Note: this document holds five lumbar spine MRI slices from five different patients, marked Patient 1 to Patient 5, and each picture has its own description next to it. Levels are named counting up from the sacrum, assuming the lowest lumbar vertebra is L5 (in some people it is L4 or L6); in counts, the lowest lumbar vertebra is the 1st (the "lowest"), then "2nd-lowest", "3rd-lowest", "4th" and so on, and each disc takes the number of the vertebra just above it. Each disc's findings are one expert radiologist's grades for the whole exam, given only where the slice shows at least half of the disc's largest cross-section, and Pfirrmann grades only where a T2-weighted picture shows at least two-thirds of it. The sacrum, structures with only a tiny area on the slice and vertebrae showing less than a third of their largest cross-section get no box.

Patient 1 of 5:
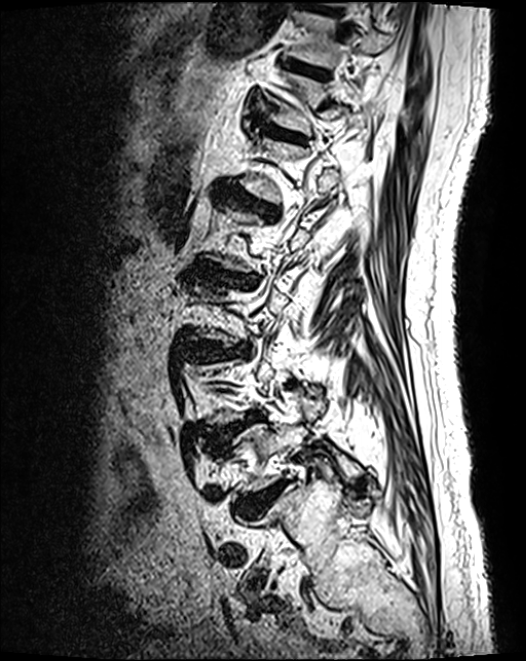 T2 SPACE (3D) sagittal MRI of the lumbar spine | Field of view 240x302 mm, slice spacing 0.9 mm | Image 526x661 | Sagittal slice index 89
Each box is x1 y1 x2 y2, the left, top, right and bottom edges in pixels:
7th disc — 284 60 328 77.
3rd-lowest disc — 187 345 246 361.
Lowest disc — 243 484 282 513.
6th disc — 260 124 303 142.
2nd-lowest disc — 213 414 259 445.
4th disc — 230 277 253 282.
Lowest vertebra — 227 416 360 492.
5th disc — 219 189 276 216.
7th vertebra — 286 12 393 68.

Radiological gradings:
• 5th disc: disc bulging, lower-endplate change, upper-endplate change

Patient 2 of 5:
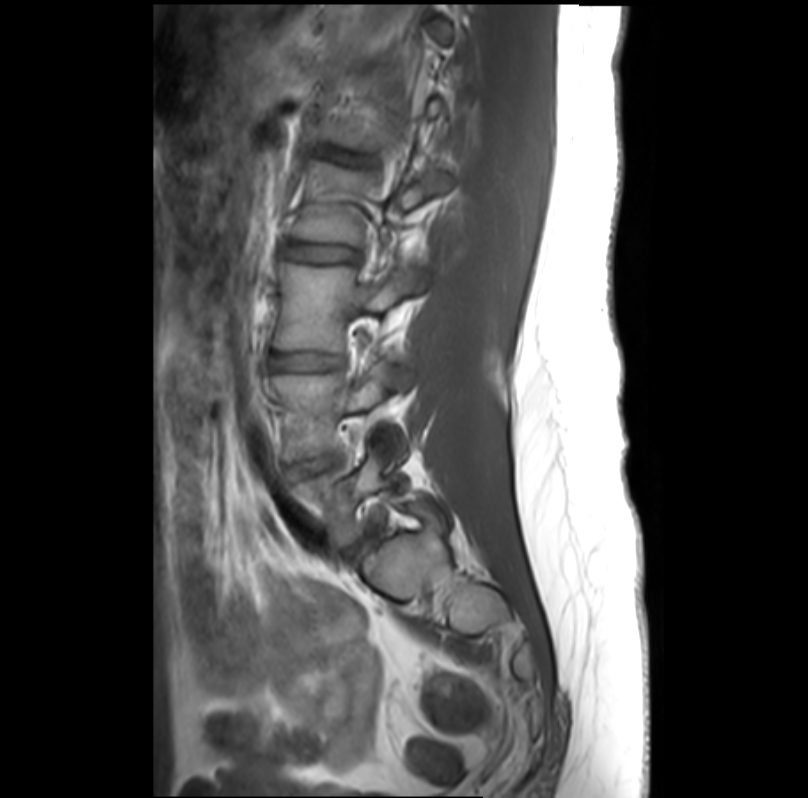 Sex F, T1-weighted sagittal MRI of the lumbar spine, Image 808x798
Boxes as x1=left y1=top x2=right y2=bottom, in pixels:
2nd-lowest vertebra: x1=275 y1=361 x2=405 y2=460 | 5th disc: x1=310 y1=144 x2=370 y2=164 | 4th disc: x1=287 y1=243 x2=355 y2=261 | 3rd-lowest disc: x1=273 y1=352 x2=338 y2=367 | 4th vertebra: x1=294 y1=165 x2=451 y2=244 | lowest vertebra: x1=295 y1=449 x2=393 y2=540 | 3rd-lowest vertebra: x1=277 y1=263 x2=427 y2=349 | 2nd-lowest disc: x1=287 y1=455 x2=337 y2=475

Radiological gradings:
- 3rd-lowest disc: disc bulging
- 4th disc, 5th disc: no herniation, bulging, narrowing, spondylolisthesis, endplate or Modic change recorded

Patient 3 of 5:
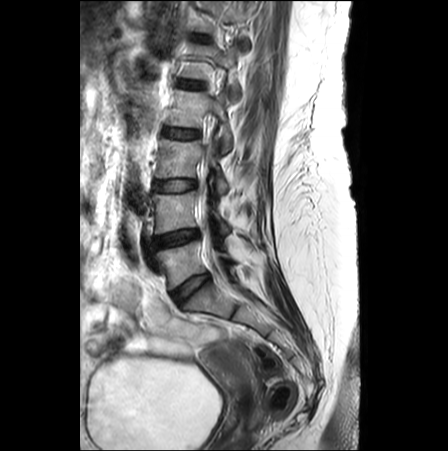

Slice spacing 3.3 mm, T2-weighted sagittal MRI of the lumbar spine
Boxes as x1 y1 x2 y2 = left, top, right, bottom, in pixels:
Annotations:
• L4 = 152 191 230 235
• intervertebral disc L5/S1 = 172 274 209 304
• intervertebral disc L3/L4 = 154 180 196 191
• L1 = 183 45 239 100
• T12 = 196 2 248 50
• L5 = 155 241 230 289
• L2 vertebra = 167 90 231 152
• L4/L5 = 153 229 199 248
• L3 = 156 139 228 194
• spinal canal = 202 213 207 224
• intervertebral disc L1/L2 = 179 81 202 89
• L2/L3 = 164 128 199 138

Expert MSK radiologist gradings (per disc):
• L2/L3: Pfirrmann grade 1
• L4/L5: Pfirrmann grade 4, disc narrowing
• L3/L4: Pfirrmann grade 1
• L5/S1: Pfirrmann grade 3

Patient 4 of 5:
MRI lumbar spine (T1-weighted), sagittal plane; Scanner: Philips Healthcare Ingenia (3T); Sagittal slice index 18

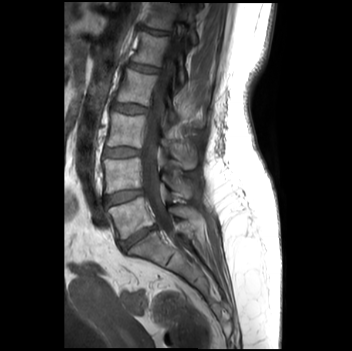
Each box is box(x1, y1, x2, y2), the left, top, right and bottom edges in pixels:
L4 vertebra at box(102, 158, 194, 198); thecal sac / spinal canal at box(141, 35, 182, 246); IVD L1/L2 at box(127, 62, 158, 72); L1 at box(132, 31, 208, 83); L2 vertebra at box(114, 68, 202, 126); IVD T12/L1 at box(141, 26, 169, 34); L3/L4 at box(104, 147, 139, 157); T12 vertebra at box(144, 2, 196, 44); L5 vertebra at box(107, 197, 196, 238); L5/S1 at box(118, 224, 155, 249); L4/L5 at box(104, 189, 142, 206); L3 at box(107, 111, 196, 168); IVD L2/L3 at box(111, 101, 147, 113).

Radiological gradings:
- L5/S1: disc narrowing, upper-endplate change, Modic type II, lower-endplate change
- L1/L2, T12/L1, L4/L5, L2/L3, L3/L4: no herniation, bulging, narrowing, spondylolisthesis, endplate or Modic change recorded

Patient 5 of 5:
Slice 63 of 122 | Sagittal T2 SPACE (3D) lumbar spine MRI

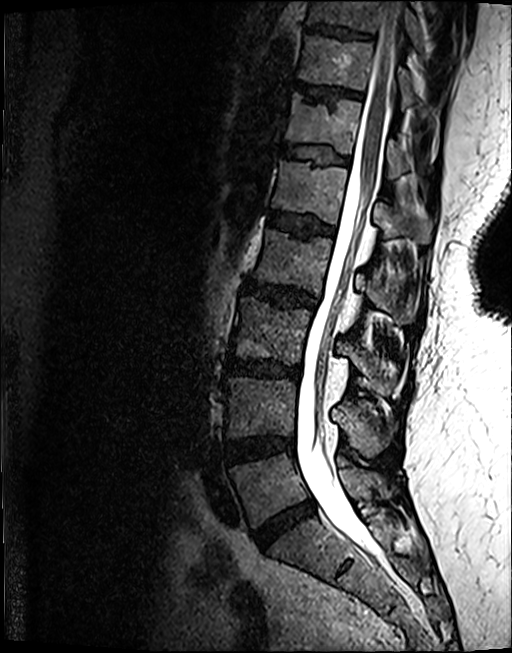
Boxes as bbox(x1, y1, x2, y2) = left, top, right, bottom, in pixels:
L4 vertebra at bbox(225, 377, 380, 456).
T12 vertebra at bbox(285, 93, 409, 178).
Disc L2/L3 at bbox(244, 279, 316, 307).
L5/S1 at bbox(253, 501, 314, 547).
Disc L3/L4 at bbox(226, 360, 300, 377).
Disc T11/T12 at bbox(294, 81, 362, 100).
L1 at bbox(271, 160, 431, 243).
Disc L4/L5 at bbox(224, 435, 293, 462).
L5 at bbox(229, 452, 385, 527).
Disc T12/L1 at bbox(282, 143, 349, 163).
L2 vertebra at bbox(252, 228, 412, 320).
L3 vertebra at bbox(230, 296, 395, 394).
T11 at bbox(299, 34, 413, 105).
L1/L2 at bbox(267, 211, 333, 236).
Disc T10/T11 at bbox(307, 24, 372, 37).
T10 vertebra at bbox(308, 0, 418, 44).
Spinal canal at bbox(297, 1, 399, 548).

Radiological gradings:
  L5/S1: Pfirrmann grade 4, disc narrowing, disc bulging
  T12/L1: Pfirrmann grade 3, lower-endplate change, upper-endplate change
  L2/L3: Pfirrmann grade 4, lower-endplate change, upper-endplate change, disc bulging
  T10/T11: Pfirrmann grade 4, upper-endplate change, lower-endplate change
  L3/L4: Pfirrmann grade 4, lower-endplate change, upper-endplate change, Modic type II, disc narrowing, disc bulging
  L1/L2: Pfirrmann grade 4, upper-endplate change, lower-endplate change, Modic type II
  T11/T12: Pfirrmann grade 4, upper-endplate change
  L4/L5: Pfirrmann grade 4, Modic type II, disc bulging, lower-endplate change